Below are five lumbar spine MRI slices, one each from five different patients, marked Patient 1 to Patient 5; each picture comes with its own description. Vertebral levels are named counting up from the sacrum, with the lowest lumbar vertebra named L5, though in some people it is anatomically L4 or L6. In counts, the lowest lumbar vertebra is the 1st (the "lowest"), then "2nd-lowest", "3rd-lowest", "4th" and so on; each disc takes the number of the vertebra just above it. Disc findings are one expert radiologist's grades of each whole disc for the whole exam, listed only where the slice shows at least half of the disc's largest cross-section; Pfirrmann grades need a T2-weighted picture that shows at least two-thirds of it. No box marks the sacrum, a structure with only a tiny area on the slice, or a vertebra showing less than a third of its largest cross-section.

Patient 1 of 5:
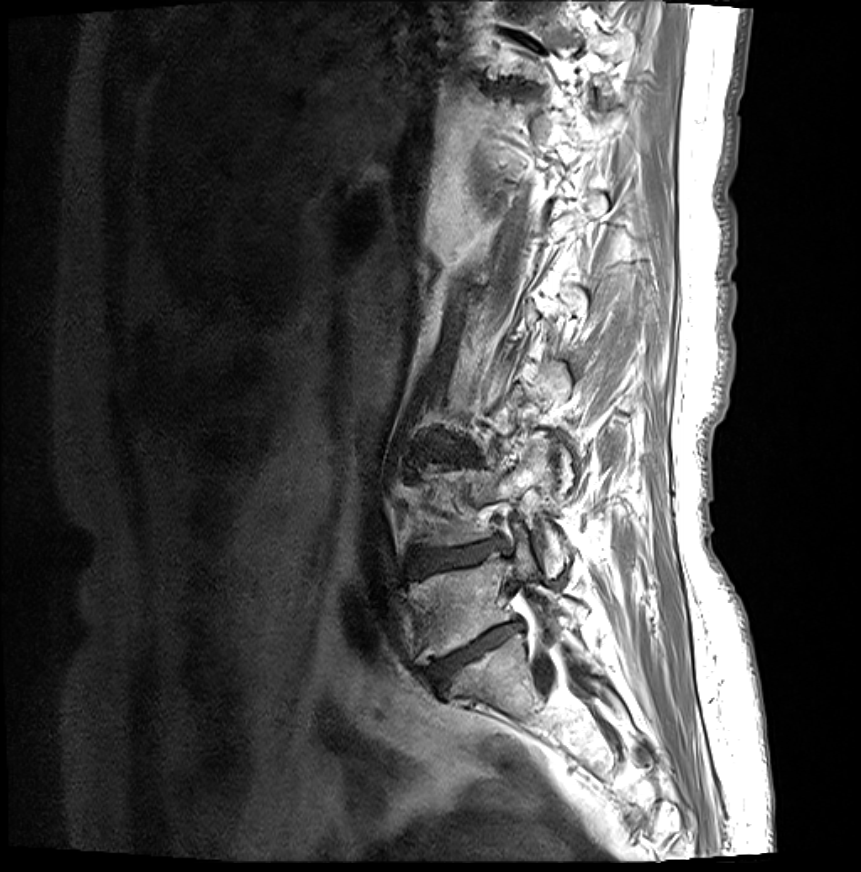

Sex F, 861x872 px, T1-weighted sagittal MRI of the lumbar spine

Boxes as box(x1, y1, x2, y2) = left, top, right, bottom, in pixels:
L3/L4: box(437, 452, 470, 460).
L5 vertebra: box(410, 531, 577, 663).
L4: box(424, 437, 569, 575).
IVD L4/L5: box(409, 540, 503, 577).
L5/S1: box(427, 621, 522, 687).

Degenerative findings by level:
• L4/L5: disc narrowing, disc bulging, upper-endplate change, lower-endplate change, Modic type II, disc herniation
• L5/S1: disc narrowing, disc bulging, upper-endplate change, Modic type II, lower-endplate change

Patient 2 of 5:
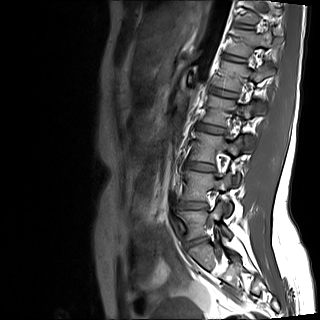 Sagittal slice index 10; MRI lumbar spine (T1-weighted), sagittal plane

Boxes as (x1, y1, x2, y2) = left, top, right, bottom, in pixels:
2nd-lowest disc at (178, 201, 207, 208), 3rd-lowest disc at (186, 162, 214, 171), lowest disc at (186, 238, 202, 247), 6th disc at (223, 54, 245, 61), 5th disc at (210, 87, 237, 97), 4th disc at (196, 123, 224, 133), 5th vertebra at (215, 61, 274, 114), 7th vertebra at (238, 0, 282, 23), lowest vertebra at (178, 202, 231, 239), 6th vertebra at (226, 29, 273, 56), 3rd-lowest vertebra at (190, 132, 243, 185), 4th vertebra at (203, 95, 254, 151), 2nd-lowest vertebra at (183, 171, 232, 216), 7th disc at (235, 23, 253, 29).

Radiological gradings:
  2nd-lowest disc: disc narrowing
  6th disc, 3rd-lowest disc, 5th disc, 7th disc, 4th disc: no herniation, bulging, narrowing, spondylolisthesis, endplate or Modic change recorded

Patient 3 of 5:
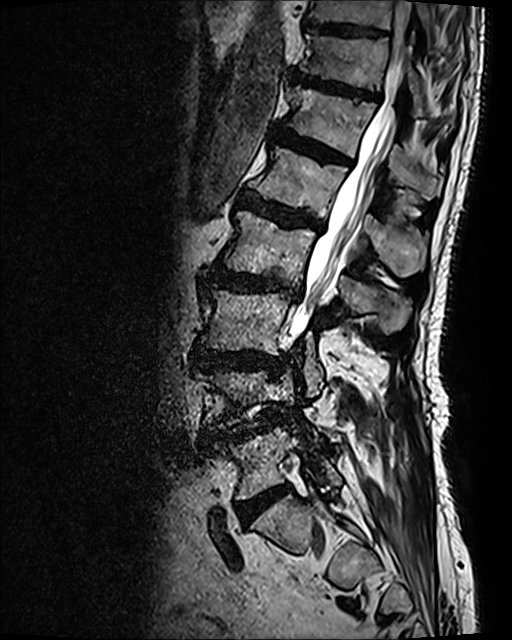 Lumbar spine MR, T2 SPACE (3D), sagittal. Sex M. Slice 79/120.

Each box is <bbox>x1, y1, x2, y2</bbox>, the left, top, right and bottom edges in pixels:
5th vertebra: <bbox>251, 146, 428, 276</bbox>.
7th vertebra: <bbox>303, 34, 422, 114</bbox>.
5th disc: <bbox>240, 193, 317, 228</bbox>.
6th vertebra: <bbox>287, 86, 441, 195</bbox>.
4th disc: <bbox>210, 266, 301, 296</bbox>.
8th vertebra: <bbox>306, 0, 432, 38</bbox>.
Lowest vertebra: <bbox>213, 427, 342, 499</bbox>.
7th disc: <bbox>291, 68, 380, 100</bbox>.
8th disc: <bbox>304, 22, 387, 39</bbox>.
2nd-lowest vertebra: <bbox>197, 371, 309, 429</bbox>.
6th disc: <bbox>276, 127, 351, 164</bbox>.
4th vertebra: <bbox>222, 210, 410, 333</bbox>.
3rd-lowest disc: <bbox>192, 346, 283, 371</bbox>.
3rd-lowest vertebra: <bbox>199, 287, 323, 396</bbox>.
Lowest disc: <bbox>237, 485, 289, 523</bbox>.
Thecal sac / spinal canal: <bbox>290, 1, 411, 338</bbox>.
2nd-lowest disc: <bbox>203, 425, 262, 440</bbox>.

Expert MSK radiologist gradings (per disc):
  7th disc: Pfirrmann grade 4, lower-endplate change, disc bulging, upper-endplate change
  3rd-lowest disc: Pfirrmann grade 4, disc bulging, lower-endplate change, upper-endplate change
  5th disc: Pfirrmann grade 4, Modic type II, disc bulging, lower-endplate change, upper-endplate change
  8th disc: Pfirrmann grade 3
  4th disc: Pfirrmann grade 4, Modic type I, upper-endplate change, disc narrowing, lower-endplate change, disc bulging
  6th disc: Pfirrmann grade 4, upper-endplate change, disc bulging, Modic type II, lower-endplate change

Patient 4 of 5:
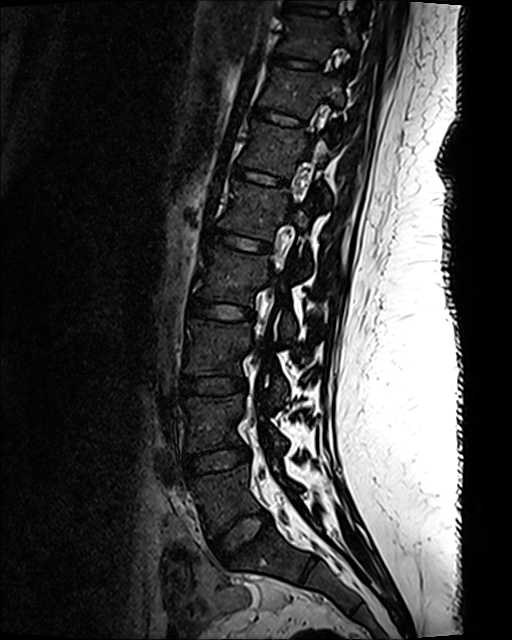 T2 SPACE (3D) sagittal MRI of the lumbar spine | Patient sex: F | Slice 49 of 120 | Slice spacing 0.9 mm

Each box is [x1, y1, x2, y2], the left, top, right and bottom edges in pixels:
IVD T10/T11 = [275, 54, 320, 68] | T12 = [241, 121, 330, 199] | T12/L1 = [235, 167, 286, 185] | IVD L1/L2 = [211, 230, 269, 252] | IVD L2/L3 = [189, 298, 253, 319] | IVD L3/L4 = [181, 376, 245, 395] | L3 = [185, 319, 287, 405] | L1 = [218, 182, 311, 271] | IVD L5/S1 = [212, 511, 271, 563] | T11 vertebra = [261, 67, 346, 139] | T10 = [281, 16, 360, 59] | IVD T11/T12 = [254, 108, 304, 127] | L2 vertebra = [201, 247, 295, 342] | L5 vertebra = [190, 463, 298, 536] | L4 = [184, 394, 286, 454] | IVD L4/L5 = [185, 446, 250, 477]

Per-level radiological findings:
• T11/T12: Pfirrmann grade 1
• L3/L4: Pfirrmann grade 1
• L1/L2: Pfirrmann grade 1
• T12/L1: Pfirrmann grade 1
• L2/L3: Pfirrmann grade 1
• L4/L5: Pfirrmann grade 1
• T10/T11: Pfirrmann grade 1
• L5/S1: Pfirrmann grade 1

Patient 5 of 5:
Lumbar spine MR, T1-weighted, sagittal; Scanner: Philips Healthcare Ingenia (3T)
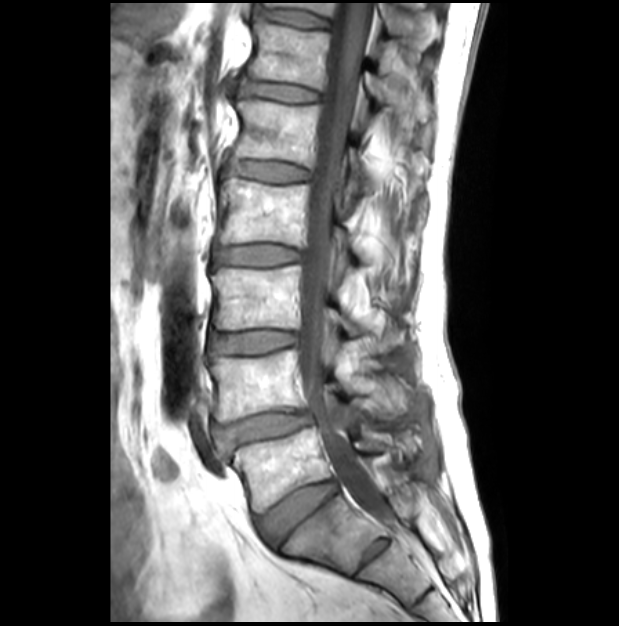 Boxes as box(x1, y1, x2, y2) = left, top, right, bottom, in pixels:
spinal canal: box(298, 0, 390, 524)
L5/S1 (lowest disc): box(257, 480, 337, 543)
T11 (7th vertebra): box(265, 2, 438, 49)
IVD L3/L4 (3rd-lowest disc): box(210, 331, 295, 356)
L3 (3rd-lowest vertebra): box(211, 267, 404, 352)
L1 (5th vertebra): box(235, 99, 427, 201)
T12 (6th vertebra): box(247, 24, 428, 121)
L5 (lowest vertebra): box(229, 428, 422, 511)
T11/T12 (7th disc): box(258, 10, 328, 27)
T12/L1 (6th disc): box(240, 82, 317, 101)
IVD L4/L5 (2nd-lowest disc): box(221, 412, 311, 446)
L1/L2 (5th disc): box(228, 160, 308, 181)
L4 (2nd-lowest vertebra): box(210, 350, 411, 424)
IVD L2/L3 (4th disc): box(213, 245, 297, 266)
L2 (4th vertebra): box(218, 178, 411, 283)

Radiological gradings:
  L4/L5 (2nd-lowest disc): disc bulging, disc narrowing, lower-endplate change, spondylolisthesis, upper-endplate change
  L2/L3 (4th disc), L1/L2 (5th disc), T11/T12 (7th disc), L3/L4 (3rd-lowest disc), T12/L1 (6th disc), L5/S1 (lowest disc): no spondylolisthesis, narrowing, bulging, herniation, Modic or endplate change recorded